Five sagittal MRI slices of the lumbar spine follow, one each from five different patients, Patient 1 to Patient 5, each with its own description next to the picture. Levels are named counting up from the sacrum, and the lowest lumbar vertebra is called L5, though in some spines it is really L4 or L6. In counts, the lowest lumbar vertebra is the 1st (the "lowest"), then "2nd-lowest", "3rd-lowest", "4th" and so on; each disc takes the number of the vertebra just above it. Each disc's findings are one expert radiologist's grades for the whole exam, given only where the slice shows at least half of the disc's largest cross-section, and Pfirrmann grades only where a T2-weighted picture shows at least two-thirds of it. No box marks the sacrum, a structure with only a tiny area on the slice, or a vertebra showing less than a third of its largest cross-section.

Patient 1 of 5:
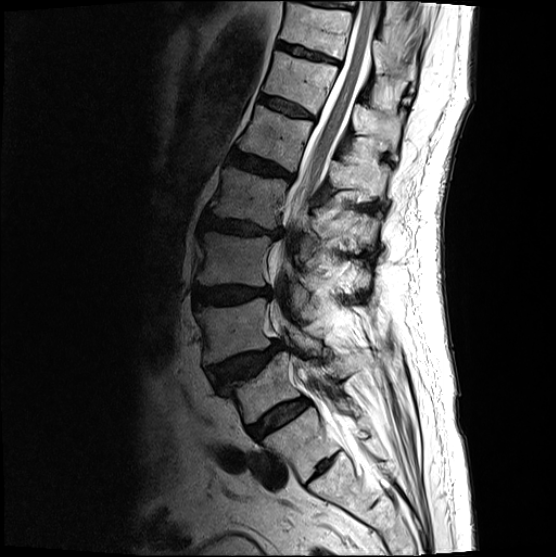 MRI lumbar spine (T2-weighted), sagittal plane.

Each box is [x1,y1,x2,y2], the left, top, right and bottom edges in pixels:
T11/T12 = [277,41,339,63].
L5 vertebra = [226,352,365,423].
Intervertebral disc L4/L5 = [208,341,284,388].
Intervertebral disc L5/S1 = [246,397,308,439].
Intervertebral disc T12/L1 = [259,94,314,119].
L1/L2 = [229,150,293,180].
T11 = [280,2,415,92].
L2 vertebra = [208,166,381,257].
L1 vertebra = [238,104,391,201].
Intervertebral disc L2/L3 = [200,212,282,238].
T12 = [263,51,404,159].
L3 vertebra = [196,231,370,317].
L4 = [196,298,321,364].
Intervertebral disc L3/L4 = [193,285,271,307].
Thecal sac / spinal canal = [268,0,378,450].

Per-level radiological findings:
- L1/L2: Pfirrmann grade 4, disc bulging, upper-endplate change, lower-endplate change
- L4/L5: Pfirrmann grade 4, upper-endplate change, disc herniation, spondylolisthesis
- T12/L1: Pfirrmann grade 3
- L3/L4: Pfirrmann grade 4, disc bulging
- L5/S1: Pfirrmann grade 4
- T11/T12: Pfirrmann grade 3, lower-endplate change
- L2/L3: Pfirrmann grade 4, disc bulging, upper-endplate change, disc narrowing, lower-endplate change

Patient 2 of 5:
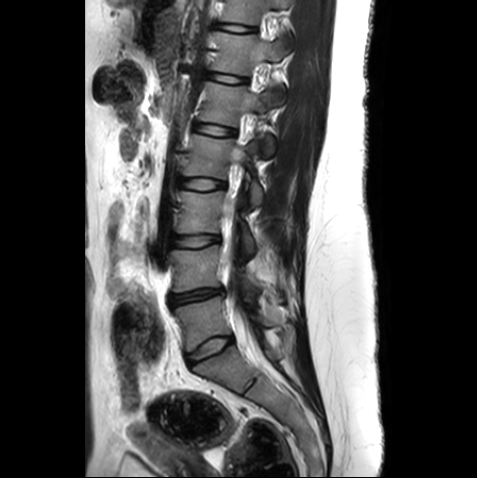 MRI lumbar spine (T2-weighted), sagittal plane. Field of view 280x281 mm, slice spacing 3.3 mm.
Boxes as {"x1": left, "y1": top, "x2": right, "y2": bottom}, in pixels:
IVD L3/L4: {"x1": 173, "y1": 235, "x2": 219, "y2": 246} | L2: {"x1": 183, "y1": 135, "x2": 262, "y2": 208} | L2/L3: {"x1": 178, "y1": 178, "x2": 224, "y2": 189} | IVD L5/S1: {"x1": 187, "y1": 337, "x2": 232, "y2": 365} | L5: {"x1": 173, "y1": 296, "x2": 271, "y2": 351} | L1/L2: {"x1": 194, "y1": 124, "x2": 234, "y2": 135} | T11: {"x1": 221, "y1": 0, "x2": 291, "y2": 24} | spinal canal: {"x1": 222, "y1": 157, "x2": 271, "y2": 375} | IVD T11/T12: {"x1": 217, "y1": 22, "x2": 254, "y2": 32} | T12: {"x1": 212, "y1": 32, "x2": 286, "y2": 74} | L1 vertebra: {"x1": 200, "y1": 82, "x2": 274, "y2": 157} | L4/L5: {"x1": 168, "y1": 288, "x2": 225, "y2": 305} | T12/L1: {"x1": 209, "y1": 73, "x2": 245, "y2": 83} | L3 vertebra: {"x1": 178, "y1": 191, "x2": 254, "y2": 258} | L4: {"x1": 171, "y1": 245, "x2": 260, "y2": 301}

Expert MSK radiologist gradings (per disc):
- L3/L4: Pfirrmann grade 1
- T11/T12: Pfirrmann grade 1
- L4/L5: Pfirrmann grade 3, disc bulging, disc narrowing
- L1/L2: Pfirrmann grade 1
- L5/S1: Pfirrmann grade 1
- L2/L3: Pfirrmann grade 1
- T12/L1: Pfirrmann grade 1

Patient 3 of 5:
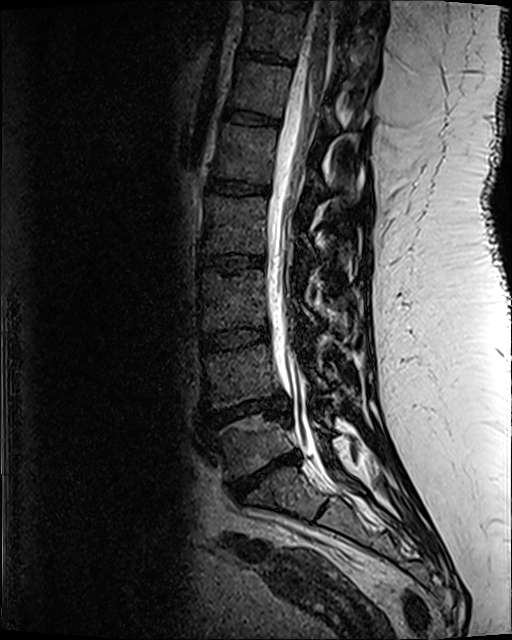 T2 SPACE (3D) sagittal MRI of the lumbar spine | Slice 56 of 120 | 512x640 px
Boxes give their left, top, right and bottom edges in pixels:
L5 — left=214, top=414, right=328, bottom=478.
T11 — left=245, top=6, right=372, bottom=77.
L2/L3 — left=199, top=255, right=264, bottom=272.
L2 — left=205, top=197, right=316, bottom=267.
T12/L1 — left=225, top=110, right=279, bottom=126.
L4/L5 — left=206, top=397, right=288, bottom=424.
Intervertebral disc T11/T12 — left=241, top=51, right=282, bottom=61.
L3 — left=200, top=271, right=318, bottom=333.
L1 — left=213, top=124, right=325, bottom=191.
T12 — left=230, top=63, right=337, bottom=134.
Intervertebral disc T10/T11 — left=258, top=0, right=308, bottom=8.
Intervertebral disc L5/S1 — left=231, top=452, right=299, bottom=500.
Intervertebral disc L1/L2 — left=208, top=179, right=268, bottom=194.
L3/L4 — left=203, top=328, right=269, bottom=350.
L4 vertebra — left=206, top=345, right=327, bottom=407.
Thecal sac / spinal canal — left=265, top=1, right=332, bottom=459.

Expert MSK radiologist gradings (per disc):
- L4/L5: Pfirrmann grade 5, disc narrowing, Modic type II, disc herniation, lower-endplate change, upper-endplate change
- T12/L1: Pfirrmann grade 3
- L1/L2: Pfirrmann grade 3, lower-endplate change
- L3/L4: Pfirrmann grade 3
- L5/S1: Pfirrmann grade 5, Modic type II, disc herniation, upper-endplate change, lower-endplate change, disc narrowing
- T11/T12: lower-endplate change
- L2/L3: Pfirrmann grade 3, upper-endplate change, lower-endplate change

Patient 4 of 5:
Lumbar spine MR, T1-weighted, sagittal, Field of view 280x281 mm

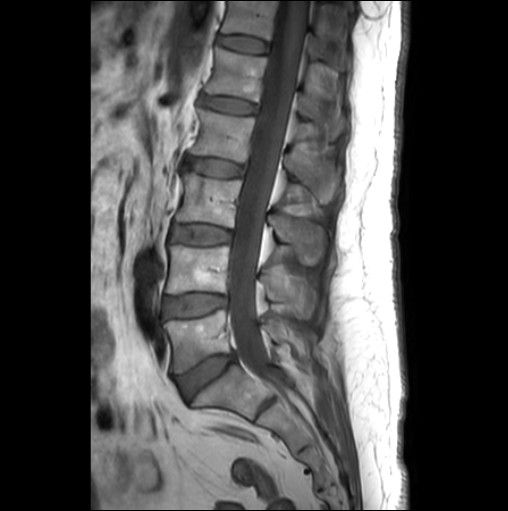 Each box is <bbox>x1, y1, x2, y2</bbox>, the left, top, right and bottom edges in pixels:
Spinal canal = <bbox>228, 1, 309, 373</bbox>.
L1/L2 = <bbox>200, 95, 255, 112</bbox>.
L1 = <bbox>204, 47, 346, 140</bbox>.
L5 = <bbox>165, 309, 314, 372</bbox>.
L3 vertebra = <bbox>176, 171, 325, 264</bbox>.
IVD L3/L4 = <bbox>171, 224, 230, 244</bbox>.
L4 = <bbox>166, 245, 316, 317</bbox>.
IVD T12/L1 = <bbox>218, 35, 268, 52</bbox>.
T12 = <bbox>222, 1, 347, 65</bbox>.
L5/S1 = <bbox>176, 353, 234, 398</bbox>.
IVD L4/L5 = <bbox>165, 293, 226, 316</bbox>.
L2 vertebra = <bbox>191, 108, 339, 202</bbox>.
L2/L3 = <bbox>185, 157, 243, 175</bbox>.

Degenerative findings by level:
• L5/S1: disc bulging, Modic type II
• L4/L5: Modic type II
• L2/L3, L1/L2, L3/L4, T12/L1: no spondylolisthesis, narrowing, bulging, herniation, Modic or endplate change recorded

Patient 5 of 5:
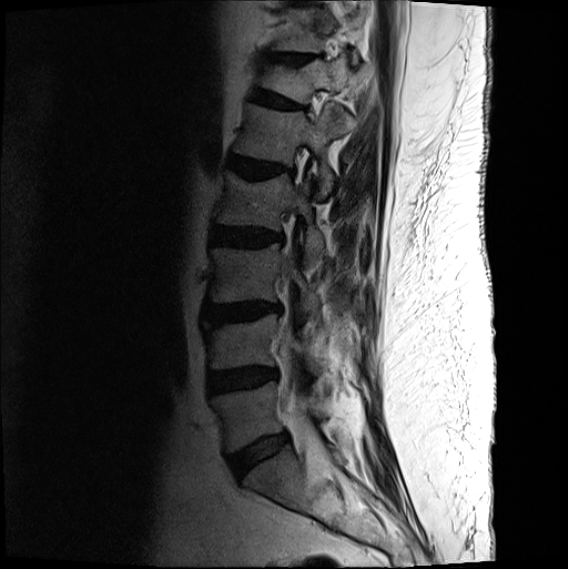 Sagittal T2-weighted lumbar spine MRI
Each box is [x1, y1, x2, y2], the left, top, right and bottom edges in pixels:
L3/L4: [203, 302, 282, 324]
L5: [211, 380, 327, 452]
T11/T12: [265, 52, 314, 64]
L4: [204, 313, 322, 375]
IVD L4/L5: [209, 367, 277, 393]
thecal sac / spinal canal: [282, 336, 300, 410]
L1 vertebra: [234, 103, 356, 197]
L3 vertebra: [210, 243, 321, 319]
L5/S1: [228, 433, 288, 477]
L2: [217, 171, 324, 265]
L2/L3: [211, 226, 283, 245]
IVD L1/L2: [227, 155, 293, 177]
T11: [273, 9, 366, 62]
T12: [260, 52, 364, 104]
T12/L1: [252, 90, 304, 108]

Per-level radiological findings:
• L5/S1: Pfirrmann grade 2, disc bulging
• L2/L3: Pfirrmann grade 3, lower-endplate change, disc bulging
• L3/L4: Pfirrmann grade 3, lower-endplate change, disc bulging, upper-endplate change, Modic type II
• T11/T12: lower-endplate change, disc bulging, disc narrowing, upper-endplate change
• T12/L1: spondylolisthesis, upper-endplate change, lower-endplate change, disc bulging
• L4/L5: Pfirrmann grade 3, disc narrowing, disc bulging
• L1/L2: Pfirrmann grade 3, lower-endplate change, disc bulging, upper-endplate change, disc narrowing, Modic type II